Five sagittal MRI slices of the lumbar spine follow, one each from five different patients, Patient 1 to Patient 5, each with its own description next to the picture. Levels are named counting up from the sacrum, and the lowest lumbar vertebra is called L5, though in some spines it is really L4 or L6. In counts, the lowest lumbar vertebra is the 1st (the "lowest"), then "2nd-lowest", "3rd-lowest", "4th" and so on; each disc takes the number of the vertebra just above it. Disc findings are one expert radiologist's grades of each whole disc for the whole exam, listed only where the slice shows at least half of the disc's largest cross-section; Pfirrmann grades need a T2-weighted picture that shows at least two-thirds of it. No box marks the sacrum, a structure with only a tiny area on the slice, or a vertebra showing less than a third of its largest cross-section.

Patient 1 of 5:
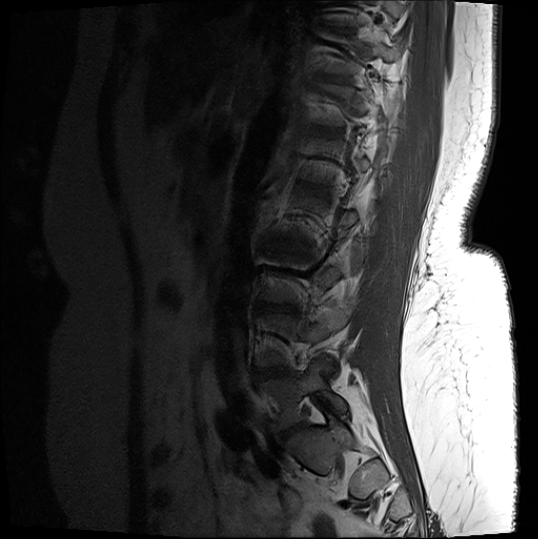 Sagittal slice index 2; Field of view 300x300 mm, slice spacing 3.3 mm; Sex F; Sagittal T1-weighted lumbar spine MRI
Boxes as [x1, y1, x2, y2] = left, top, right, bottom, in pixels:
Annotations:
• IVD L3/L4 = [271, 305, 286, 310]
• L5 = [261, 356, 346, 429]
• L5/S1 = [282, 424, 304, 439]
• IVD L4/L5 = [261, 367, 288, 377]

Patient 2 of 5:
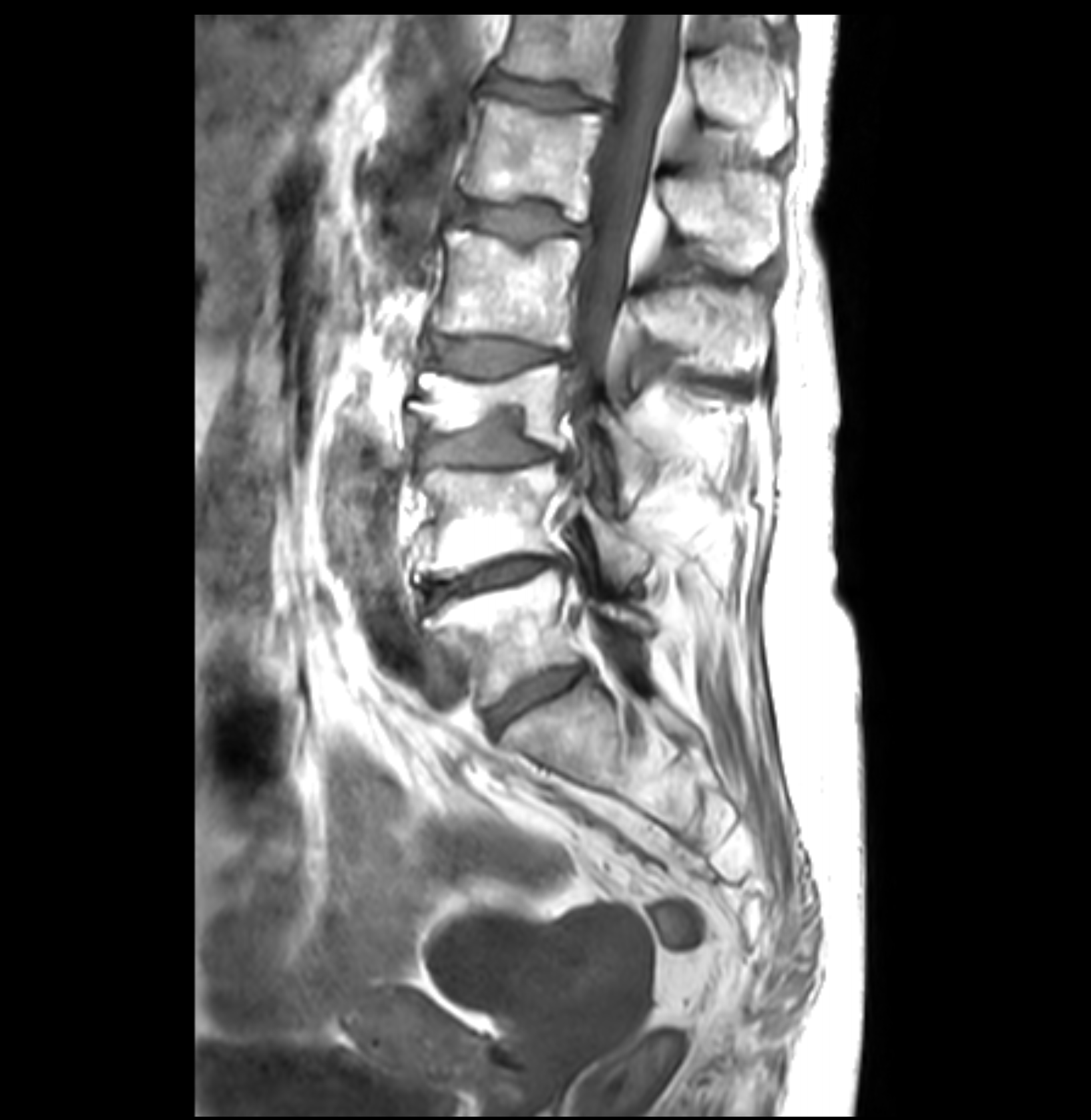

Sagittal slice index 20. Sagittal T1-weighted lumbar spine MRI.

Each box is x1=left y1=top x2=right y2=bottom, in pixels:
L1/L2 at x1=460 y1=203 x2=591 y2=242, T12/L1 at x1=480 y1=67 x2=613 y2=116, IVD L3/L4 at x1=419 y1=413 x2=564 y2=465, IVD L4/L5 at x1=424 y1=556 x2=570 y2=608, L5/S1 at x1=487 y1=665 x2=584 y2=729, L3 at x1=409 y1=364 x2=654 y2=514, IVD L2/L3 at x1=424 y1=337 x2=574 y2=376, L5 vertebra at x1=424 y1=567 x2=654 y2=706, L1 vertebra at x1=460 y1=98 x2=781 y2=272, thecal sac / spinal canal at x1=568 y1=15 x2=679 y2=429, T12 at x1=501 y1=13 x2=793 y2=156, L2 vertebra at x1=431 y1=226 x2=767 y2=373, L4 vertebra at x1=417 y1=460 x2=652 y2=582.

Per-level radiological findings:
• L1/L2: upper-endplate change, lower-endplate change
• T12/L1: upper-endplate change, disc bulging
• L2/L3: disc bulging, Modic type II
• L5/S1: disc bulging
• L4/L5: Modic type II, disc bulging, disc narrowing
• L3/L4: upper-endplate change, Modic type II, disc narrowing, disc bulging

Patient 3 of 5:
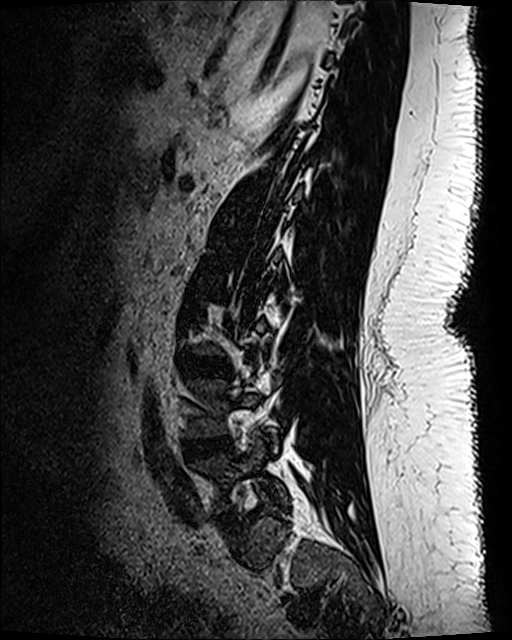

Patient sex: F | Sagittal T2 SPACE (3D) lumbar spine MRI | 512x640 px

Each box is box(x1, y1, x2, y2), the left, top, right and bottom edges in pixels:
L5/S1 (lowest disc): box(218, 509, 233, 520)
L3/L4 (3rd-lowest disc): box(183, 354, 230, 378)
L5 (lowest vertebra): box(192, 441, 287, 510)
intervertebral disc L4/L5 (2nd-lowest disc): box(186, 437, 229, 459)

Patient 4 of 5:
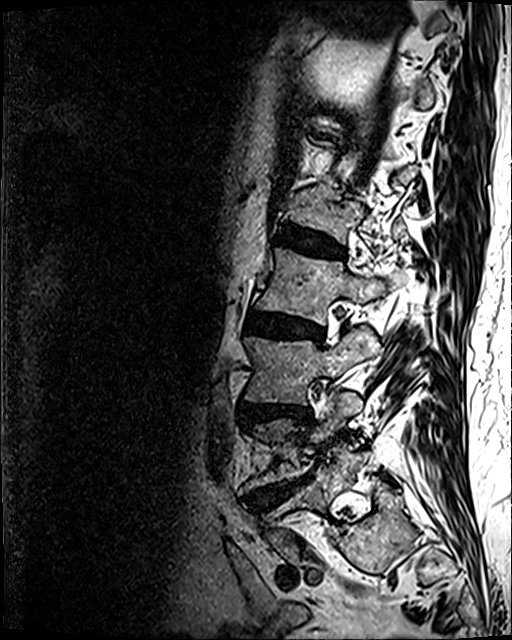 Patient sex: M, MRI lumbar spine (T2 SPACE (3D)), sagittal plane
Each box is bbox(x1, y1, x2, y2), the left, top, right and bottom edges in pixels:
L5 (lowest vertebra) — bbox(273, 453, 366, 515).
L1 (5th vertebra) — bbox(285, 189, 406, 242).
L3 (3rd-lowest vertebra) — bbox(244, 327, 379, 404).
L4 (2nd-lowest vertebra) — bbox(241, 392, 363, 491).
L2 (4th vertebra) — bbox(256, 247, 402, 324).
L4/L5 (2nd-lowest disc) — bbox(246, 474, 310, 510).
L1/L2 (5th disc) — bbox(275, 225, 345, 258).
L3/L4 (3rd-lowest disc) — bbox(243, 404, 310, 424).
L2/L3 (4th disc) — bbox(245, 311, 323, 339).

Degenerative findings by level:
• L3/L4 (3rd-lowest disc): Pfirrmann grade 4, disc narrowing, disc bulging, upper-endplate change, lower-endplate change
• L2/L3 (4th disc): Pfirrmann grade 4, Modic type II, disc narrowing, disc bulging, upper-endplate change, lower-endplate change
• L4/L5 (2nd-lowest disc): Pfirrmann grade 5, lower-endplate change, disc herniation, disc narrowing, upper-endplate change, Modic type II, disc bulging
• L1/L2 (5th disc): Pfirrmann grade 4, lower-endplate change, disc bulging, disc narrowing, upper-endplate change

Patient 5 of 5:
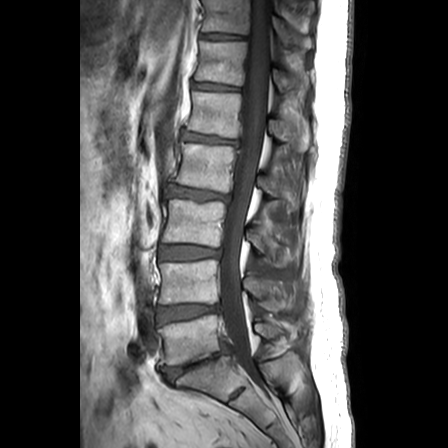 Sagittal T1-weighted lumbar spine MRI, Patient sex: M

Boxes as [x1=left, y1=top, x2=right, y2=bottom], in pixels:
thecal sac / spinal canal: [x1=219, y1=0, x2=269, y2=380] | L5/S1: [x1=161, y1=343, x2=229, y2=381] | intervertebral disc L4/L5: [x1=159, y1=304, x2=219, y2=322] | intervertebral disc L2/L3: [x1=168, y1=186, x2=229, y2=201] | L1: [x1=188, y1=92, x2=311, y2=151] | L5: [x1=159, y1=315, x2=300, y2=365] | T11 vertebra: [x1=203, y1=0, x2=313, y2=50] | L3/L4: [x1=161, y1=246, x2=219, y2=259] | L1/L2: [x1=183, y1=132, x2=237, y2=143] | T12/L1: [x1=193, y1=82, x2=237, y2=90] | T11/T12: [x1=201, y1=33, x2=243, y2=39] | L3: [x1=162, y1=198, x2=290, y2=265] | L2 vertebra: [x1=176, y1=142, x2=296, y2=210] | T12 vertebra: [x1=195, y1=41, x2=309, y2=92] | L4 vertebra: [x1=159, y1=260, x2=287, y2=310]

Expert MSK radiologist gradings (per disc):
• L2/L3: disc bulging
• L5/S1: lower-endplate change, Modic type II, spondylolisthesis, disc herniation, disc narrowing, disc bulging, upper-endplate change
• L1/L2: disc bulging, Modic type II, upper-endplate change, lower-endplate change
• L4/L5: disc bulging, disc narrowing
• L3/L4: disc bulging
• T12/L1, T11/T12: no herniation, bulging, narrowing, spondylolisthesis, endplate or Modic change recorded